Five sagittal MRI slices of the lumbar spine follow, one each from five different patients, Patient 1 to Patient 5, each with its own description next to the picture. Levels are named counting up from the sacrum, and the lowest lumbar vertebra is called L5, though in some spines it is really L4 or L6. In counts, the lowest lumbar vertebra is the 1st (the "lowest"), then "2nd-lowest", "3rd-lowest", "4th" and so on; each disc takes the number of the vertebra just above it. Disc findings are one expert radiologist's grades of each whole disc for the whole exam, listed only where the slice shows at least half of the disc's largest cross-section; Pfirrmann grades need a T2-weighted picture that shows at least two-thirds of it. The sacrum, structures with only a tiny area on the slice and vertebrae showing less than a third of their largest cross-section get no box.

Patient 1 of 5:
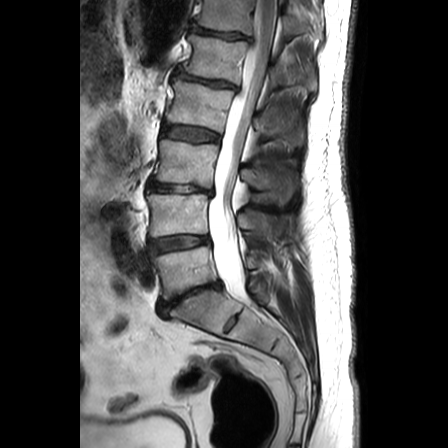 T2-weighted sagittal MRI of the lumbar spine; Sex M

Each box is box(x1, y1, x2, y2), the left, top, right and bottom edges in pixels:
3rd-lowest disc = box(149, 181, 212, 195).
6th vertebra = box(196, 0, 322, 37).
2nd-lowest disc = box(149, 236, 208, 253).
Lowest disc = box(157, 281, 221, 317).
5th vertebra = box(183, 34, 312, 88).
6th disc = box(191, 25, 250, 40).
4th disc = box(162, 126, 219, 141).
Lowest vertebra = box(153, 246, 260, 299).
2nd-lowest vertebra = box(147, 193, 282, 240).
Thecal sac / spinal canal = box(208, 0, 276, 304).
5th disc = box(175, 69, 235, 88).
4th vertebra = box(166, 79, 300, 146).
3rd-lowest vertebra = box(153, 139, 295, 195).

Per-level radiological findings:
- lowest disc: Pfirrmann grade 5, disc bulging, disc narrowing
- 3rd-lowest disc: Pfirrmann grade 5, disc narrowing, disc herniation
- 5th disc: Pfirrmann grade 3, disc narrowing, disc bulging
- 2nd-lowest disc: Pfirrmann grade 2, disc bulging
- 6th disc: Pfirrmann grade 3, disc bulging, disc narrowing
- 4th disc: Pfirrmann grade 2

Patient 2 of 5:
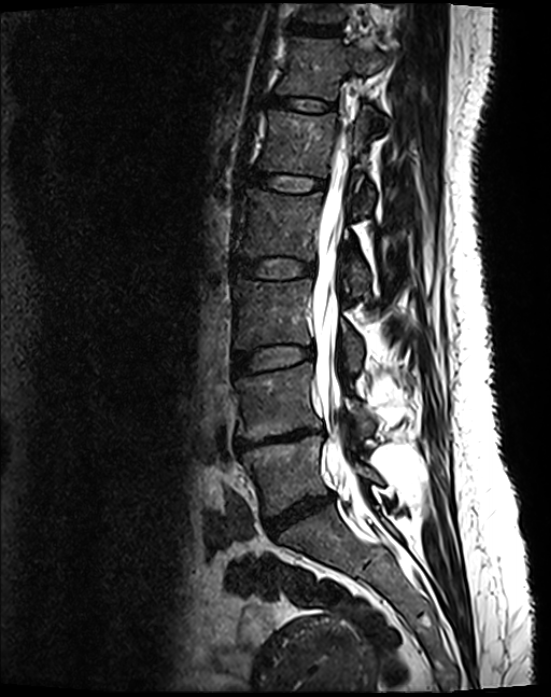 T2 SPACE (3D) sagittal MRI of the lumbar spine. Sagittal slice index 58.
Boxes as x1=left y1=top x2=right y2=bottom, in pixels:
Segmented structures:
* intervertebral disc L3/L4 = x1=233 y1=346 x2=313 y2=373
* intervertebral disc L1/L2 = x1=251 y1=173 x2=324 y2=190
* intervertebral disc L2/L3 = x1=234 y1=257 x2=314 y2=277
* L3 vertebra = x1=234 y1=280 x2=363 y2=373
* T12 vertebra = x1=280 y1=37 x2=384 y2=99
* L1 vertebra = x1=258 y1=111 x2=375 y2=213
* L5/S1 = x1=265 y1=493 x2=333 y2=533
* intervertebral disc T12/L1 = x1=272 y1=97 x2=333 y2=110
* L4/L5 = x1=236 y1=428 x2=322 y2=449
* L5 = x1=242 y1=435 x2=377 y2=516
* T11/T12 = x1=294 y1=24 x2=337 y2=34
* spinal canal = x1=313 y1=141 x2=347 y2=471
* L4 vertebra = x1=235 y1=364 x2=373 y2=441
* L2 vertebra = x1=238 y1=190 x2=369 y2=296

Per-level radiological findings:
  L3/L4: Pfirrmann grade 2
  T12/L1: Pfirrmann grade 2
  L4/L5: Pfirrmann grade 5, Modic type II, disc narrowing, disc bulging, upper-endplate change, lower-endplate change
  L2/L3: Pfirrmann grade 2
  L1/L2: Pfirrmann grade 2
  L5/S1: Pfirrmann grade 4, disc narrowing, disc bulging

Patient 3 of 5:
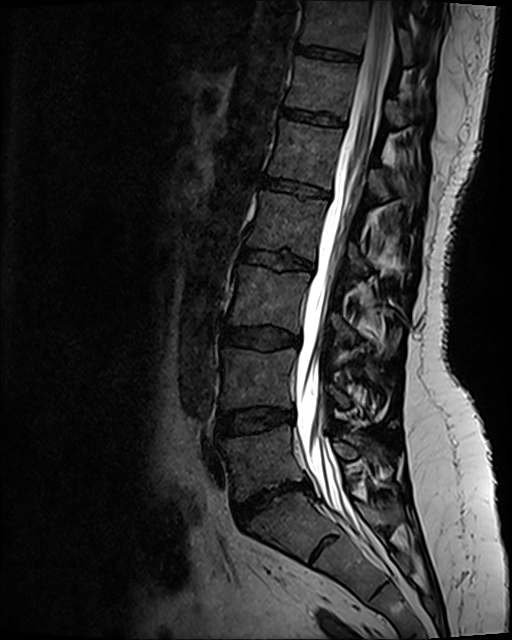

T2 SPACE (3D) sagittal MRI of the lumbar spine

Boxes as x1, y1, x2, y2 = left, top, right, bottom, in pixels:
* L5 (lowest vertebra) at 223, 425, 385, 500
* T11 (7th vertebra) at 302, 1, 412, 63
* T11/T12 (7th disc) at 299, 49, 356, 61
* L1 (5th vertebra) at 269, 120, 421, 204
* T12/L1 (6th disc) at 283, 110, 343, 127
* L2/L3 (4th disc) at 240, 250, 314, 270
* disc L5/S1 (lowest disc) at 235, 484, 310, 526
* L4 (2nd-lowest vertebra) at 223, 349, 348, 408
* L1/L2 (5th disc) at 263, 179, 327, 197
* disc L4/L5 (2nd-lowest disc) at 218, 411, 292, 437
* L2 (4th vertebra) at 246, 192, 367, 271
* thecal sac / spinal canal at 295, 1, 394, 551
* L3 (3rd-lowest vertebra) at 228, 267, 396, 358
* disc L3/L4 (3rd-lowest disc) at 223, 328, 299, 349
* T12 (6th vertebra) at 286, 57, 430, 126

Radiological gradings:
  L1/L2 (5th disc): Pfirrmann grade 2, upper-endplate change, lower-endplate change
  L5/S1 (lowest disc): Pfirrmann grade 1, disc narrowing, disc bulging, disc herniation
  L3/L4 (3rd-lowest disc): Pfirrmann grade 2, disc bulging
  L4/L5 (2nd-lowest disc): Pfirrmann grade 2, disc bulging
  T11/T12 (7th disc): Pfirrmann grade 2
  L2/L3 (4th disc): Pfirrmann grade 4, lower-endplate change, upper-endplate change, disc bulging
  T12/L1 (6th disc): Pfirrmann grade 2, lower-endplate change, upper-endplate change

Patient 4 of 5:
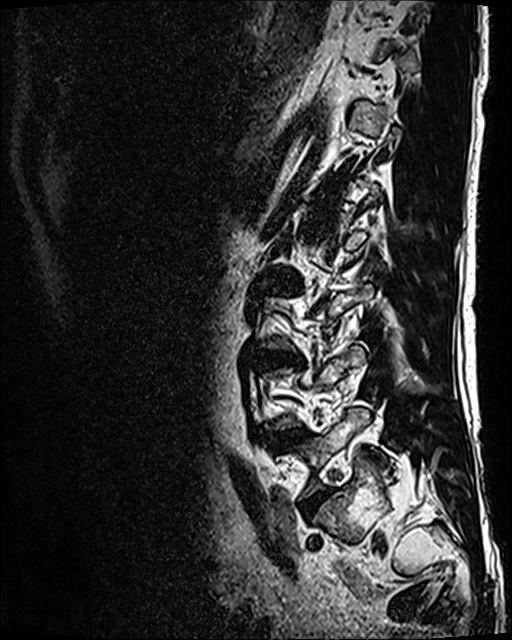 Lumbar spine MR, T2 SPACE (3D), sagittal, Patient sex: M
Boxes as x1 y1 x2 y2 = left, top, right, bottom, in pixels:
Lowest disc: 302 490 331 516.
4th disc: 269 274 298 287.
3rd-lowest disc: 256 352 302 366.
2nd-lowest disc: 267 429 309 447.
Lowest vertebra: 295 409 368 498.

Patient 5 of 5:
Slice 92 of 120, MRI lumbar spine (T2 SPACE (3D)), sagittal plane, Scanner: SIEMENS Avanto_fit (1.5T)
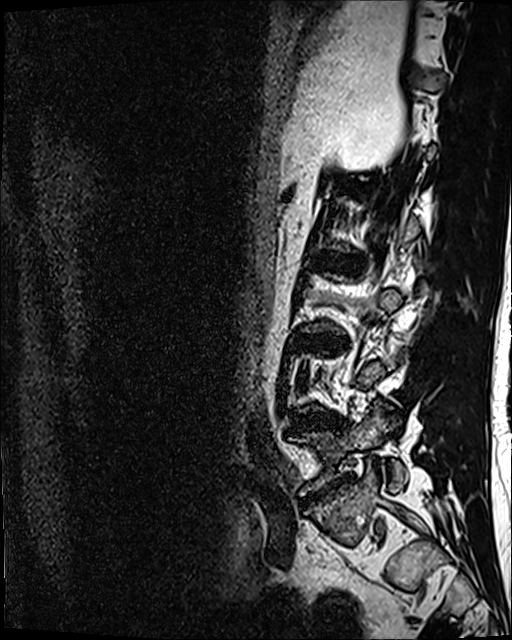
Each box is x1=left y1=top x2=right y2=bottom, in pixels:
{"intervertebral disc L2/L3": "x1=313 y1=254 x2=360 y2=270", "L4/L5": "x1=293 y1=414 x2=338 y2=428", "intervertebral disc L1/L2": "x1=345 y1=182 x2=370 y2=190", "intervertebral disc L3/L4": "x1=300 y1=334 x2=342 y2=347", "intervertebral disc L5/S1": "x1=304 y1=476 x2=350 y2=502", "L5": "x1=289 y1=401 x2=407 y2=495"}